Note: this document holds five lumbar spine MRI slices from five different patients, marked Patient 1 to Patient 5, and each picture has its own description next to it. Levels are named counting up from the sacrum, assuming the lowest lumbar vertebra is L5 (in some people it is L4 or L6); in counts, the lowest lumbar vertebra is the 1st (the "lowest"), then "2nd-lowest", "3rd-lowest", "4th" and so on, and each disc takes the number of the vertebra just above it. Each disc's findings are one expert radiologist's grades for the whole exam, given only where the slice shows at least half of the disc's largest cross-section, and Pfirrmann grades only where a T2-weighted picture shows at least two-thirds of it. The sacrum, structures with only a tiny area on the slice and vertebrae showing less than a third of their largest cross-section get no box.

Patient 1 of 5:
Field of view 280x282 mm, slice spacing 3.3 mm | Sex F | Sagittal T1-weighted lumbar spine MRI | 547x552 px

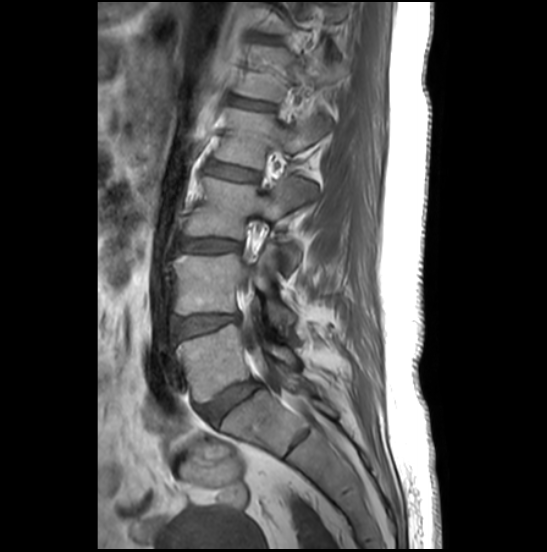
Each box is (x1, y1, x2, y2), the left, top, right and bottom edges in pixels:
L4/L5 at (172, 314, 235, 338).
Intervertebral disc L5/S1 at (199, 380, 259, 422).
L1 vertebra at (238, 48, 336, 100).
L1/L2 at (230, 98, 273, 110).
L5 at (175, 323, 300, 402).
L3 vertebra at (183, 177, 317, 274).
L4 vertebra at (171, 246, 292, 332).
Intervertebral disc L2/L3 at (205, 162, 257, 180).
L2 at (214, 108, 329, 168).
Thecal sac / spinal canal at (238, 263, 313, 409).
Intervertebral disc L3/L4 at (181, 239, 238, 251).

Radiological gradings:
- L3/L4: disc bulging
- L1/L2: upper-endplate change
- L5/S1: disc bulging
- L4/L5: disc bulging
- L2/L3: no spondylolisthesis, narrowing, bulging, herniation, Modic or endplate change recorded

Patient 2 of 5:
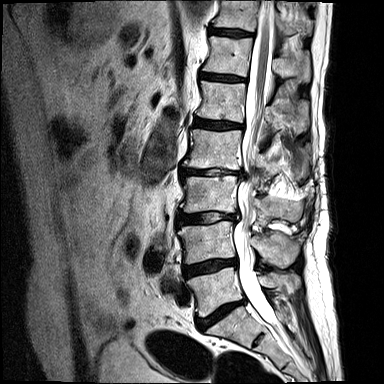 Image 384x384 | Lumbar spine MR, T2-weighted, sagittal
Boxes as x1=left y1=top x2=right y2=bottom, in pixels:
Disc L5/S1: x1=196 y1=299 x2=246 y2=331.
T12: x1=202 y1=36 x2=310 y2=82.
T11: x1=212 y1=0 x2=312 y2=34.
L3/L4: x1=176 y1=212 x2=237 y2=225.
Disc T11/T12: x1=209 y1=28 x2=253 y2=38.
L4 vertebra: x1=178 y1=221 x2=298 y2=268.
T12/L1: x1=200 y1=72 x2=246 y2=81.
L5 vertebra: x1=186 y1=267 x2=299 y2=317.
L1/L2: x1=193 y1=118 x2=243 y2=129.
Thecal sac / spinal canal: x1=234 y1=0 x2=276 y2=326.
L2: x1=181 y1=128 x2=304 y2=177.
Disc L2/L3: x1=180 y1=168 x2=242 y2=176.
L3 vertebra: x1=180 y1=176 x2=301 y2=226.
Disc L4/L5: x1=183 y1=259 x2=236 y2=277.
L1: x1=196 y1=80 x2=309 y2=133.

Radiological gradings:
• T12/L1: Pfirrmann grade 4, disc narrowing, Modic type II
• T11/T12: Pfirrmann grade 4, lower-endplate change, disc narrowing, Modic type II, upper-endplate change
• L3/L4: Pfirrmann grade 4, lower-endplate change, disc herniation, upper-endplate change, Modic type II, disc narrowing
• L1/L2: Pfirrmann grade 4, disc bulging, disc narrowing, Modic type II, lower-endplate change
• L2/L3: Pfirrmann grade 4, lower-endplate change, Modic type II, disc herniation, disc narrowing
• L5/S1: Pfirrmann grade 4, Modic type II, disc narrowing, disc bulging
• L4/L5: Pfirrmann grade 4, disc narrowing, disc bulging, Modic type II, lower-endplate change

Patient 3 of 5:
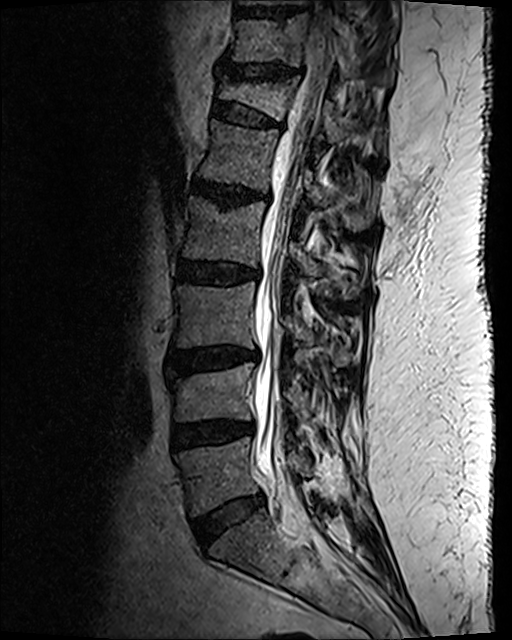 Slice 65/120 | Sex M | MRI lumbar spine (T2 SPACE (3D)), sagittal plane | Image 512x640

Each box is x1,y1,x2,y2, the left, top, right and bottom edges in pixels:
• L3/L4 = 174,349,258,373
• thecal sac / spinal canal = 254,1,332,515
• L1/L2 = 191,180,253,207
• L2 vertebra = 183,198,359,297
• L2/L3 = 178,261,259,286
• disc T10/T11 = 238,9,300,19
• T11 = 228,15,394,82
• L5 vertebra = 176,437,314,515
• T11/T12 = 227,67,298,81
• disc L4/L5 = 171,422,249,450
• L1 = 199,120,376,231
• L3 = 174,282,351,366
• disc L5/S1 = 193,493,264,546
• T12 = 218,78,349,142
• disc T12/L1 = 212,101,279,128
• L4 vertebra = 167,364,307,423

Degenerative findings by level:
- T12/L1: Pfirrmann grade 2, upper-endplate change, disc bulging, lower-endplate change, spondylolisthesis
- L2/L3: Pfirrmann grade 3, lower-endplate change, disc bulging
- L3/L4: Pfirrmann grade 3, Modic type II, lower-endplate change, disc bulging, upper-endplate change
- L4/L5: Pfirrmann grade 3, disc bulging, disc narrowing
- L5/S1: Pfirrmann grade 2, disc bulging
- T11/T12: Pfirrmann grade 2, upper-endplate change, lower-endplate change, disc bulging, disc narrowing
- L1/L2: Pfirrmann grade 3, upper-endplate change, Modic type II, disc narrowing, lower-endplate change, disc bulging

Patient 4 of 5:
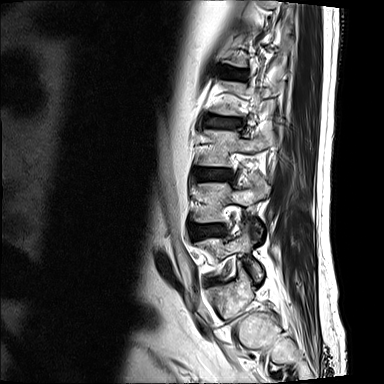
MRI lumbar spine (T2-weighted), sagittal plane | Patient sex: M

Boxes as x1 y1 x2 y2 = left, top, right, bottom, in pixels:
* L4/L5: 191 224 222 237
* L5 vertebra: 198 221 260 274
* intervertebral disc L1/L2: 224 69 245 78
* L3: 200 127 274 166
* L3/L4: 196 169 229 180
* intervertebral disc L2/L3: 206 117 239 128
* L4: 195 175 270 222

Radiological gradings:
  L2/L3: Modic type II, lower-endplate change, disc bulging, upper-endplate change
  L4/L5: upper-endplate change, disc bulging, lower-endplate change
  L3/L4: no spondylolisthesis, narrowing, bulging, herniation, Modic or endplate change recorded

Patient 5 of 5:
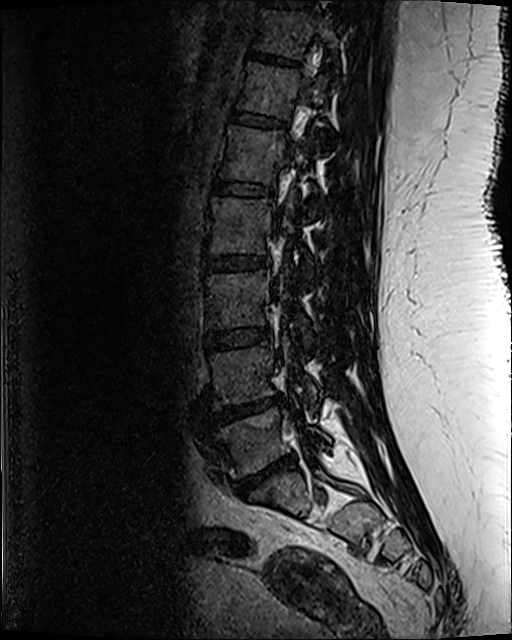 MRI lumbar spine (T2 SPACE (3D)), sagittal plane
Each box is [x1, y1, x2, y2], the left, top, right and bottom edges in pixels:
L3: [208, 265, 314, 347].
L5/S1: [234, 456, 292, 496].
T11/T12: [249, 52, 296, 65].
L3/L4: [206, 328, 269, 350].
L5: [212, 408, 330, 476].
T12: [239, 63, 328, 116].
L2: [208, 190, 310, 276].
Disc T10/T11: [265, 0, 312, 8].
L4: [210, 337, 316, 408].
T11 vertebra: [255, 10, 336, 69].
Disc L1/L2: [214, 181, 270, 195].
Disc T12/L1: [230, 112, 283, 127].
Disc L2/L3: [205, 255, 267, 271].
L1 vertebra: [220, 126, 317, 215].
Disc L4/L5: [215, 399, 281, 423].

Expert MSK radiologist gradings (per disc):
• L3/L4: Pfirrmann grade 3
• L1/L2: Pfirrmann grade 3, lower-endplate change
• L5/S1: Pfirrmann grade 5, disc narrowing, disc herniation, lower-endplate change, Modic type II, upper-endplate change
• L4/L5: lower-endplate change, disc narrowing, disc herniation, upper-endplate change, Modic type II
• L2/L3: Pfirrmann grade 3, upper-endplate change, lower-endplate change
• T12/L1: Pfirrmann grade 3